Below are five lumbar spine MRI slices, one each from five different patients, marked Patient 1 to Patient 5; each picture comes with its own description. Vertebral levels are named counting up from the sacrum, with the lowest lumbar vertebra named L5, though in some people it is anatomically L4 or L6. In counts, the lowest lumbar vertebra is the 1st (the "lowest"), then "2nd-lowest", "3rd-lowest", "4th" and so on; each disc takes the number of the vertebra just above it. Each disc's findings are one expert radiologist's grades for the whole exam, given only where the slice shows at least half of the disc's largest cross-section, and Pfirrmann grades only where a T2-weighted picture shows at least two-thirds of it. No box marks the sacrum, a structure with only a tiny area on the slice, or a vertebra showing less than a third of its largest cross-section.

Patient 1 of 5:
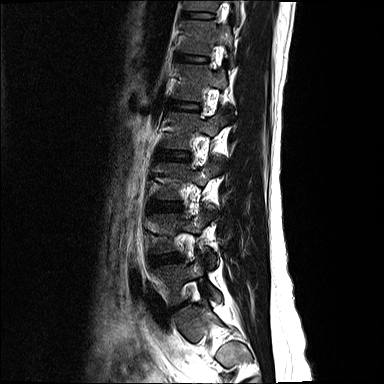 MRI lumbar spine (T2-weighted), sagittal plane. Image 384x384.
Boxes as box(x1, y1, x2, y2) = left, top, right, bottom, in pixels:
L5: box(153, 255, 221, 304)
L1 vertebra: box(175, 64, 227, 101)
L2/L3: box(161, 151, 187, 160)
L1/L2: box(171, 102, 198, 109)
T11/T12: box(186, 12, 212, 18)
T11: box(186, 0, 240, 19)
L3 vertebra: box(157, 158, 220, 199)
L2: box(164, 111, 225, 148)
L4/L5: box(151, 254, 183, 265)
L3/L4: box(151, 201, 179, 210)
T12/L1: box(179, 55, 207, 61)
L4 vertebra: box(153, 211, 216, 266)
T12: box(182, 20, 234, 59)

Degenerative findings by level:
  T11/T12: Pfirrmann grade 2
  T12/L1, L2/L3, L3/L4: no herniation, bulging, narrowing, spondylolisthesis, endplate or Modic change recorded

Patient 2 of 5:
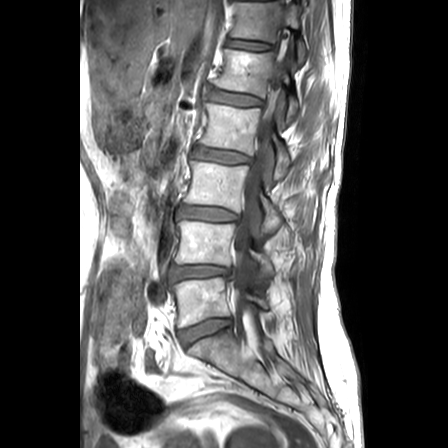 Slice 10 of 24. Sagittal T1-weighted lumbar spine MRI.
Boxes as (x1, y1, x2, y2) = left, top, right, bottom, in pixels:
3rd-lowest vertebra at (184, 161, 282, 233).
4th vertebra at (199, 98, 290, 179).
2nd-lowest disc at (170, 265, 235, 282).
2nd-lowest vertebra at (176, 221, 273, 276).
5th vertebra at (214, 36, 299, 123).
6th disc at (227, 40, 270, 50).
3rd-lowest disc at (179, 207, 237, 221).
5th disc at (209, 90, 260, 107).
Spinal canal at (234, 61, 283, 319).
Lowest disc at (179, 318, 231, 345).
Lowest vertebra at (171, 277, 268, 327).
6th vertebra at (231, 2, 305, 68).
4th disc at (193, 148, 249, 163).

Degenerative findings by level:
- 3rd-lowest disc: disc bulging, upper-endplate change, lower-endplate change
- 2nd-lowest disc: lower-endplate change, disc narrowing, disc herniation, upper-endplate change
- 4th disc: lower-endplate change, upper-endplate change, Modic type II, disc bulging
- 5th disc: Modic type II, lower-endplate change, upper-endplate change
- 6th disc: Modic type II
- lowest disc: no Modic or endplate change, herniation, narrowing, bulging or spondylolisthesis recorded

Patient 3 of 5:
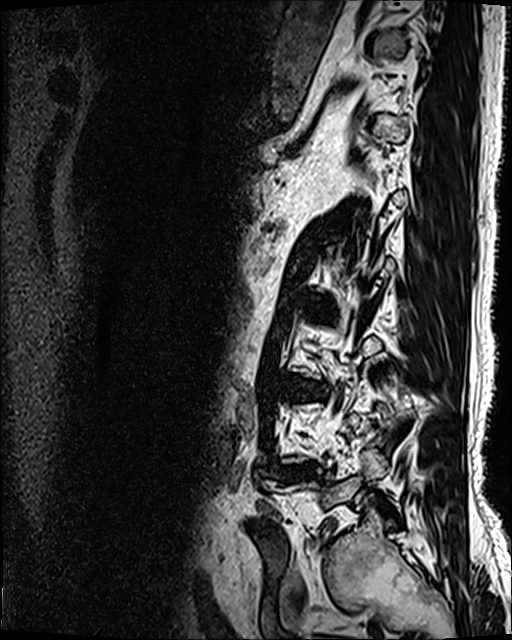 T2 SPACE (3D) sagittal MRI of the lumbar spine. Slice 31 of 120. 512x640 px.

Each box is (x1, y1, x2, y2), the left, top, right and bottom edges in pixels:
Structures:
- L3/L4 (3rd-lowest disc) at (289, 379, 325, 395)
- L4/L5 (2nd-lowest disc) at (284, 466, 313, 479)

Patient 4 of 5:
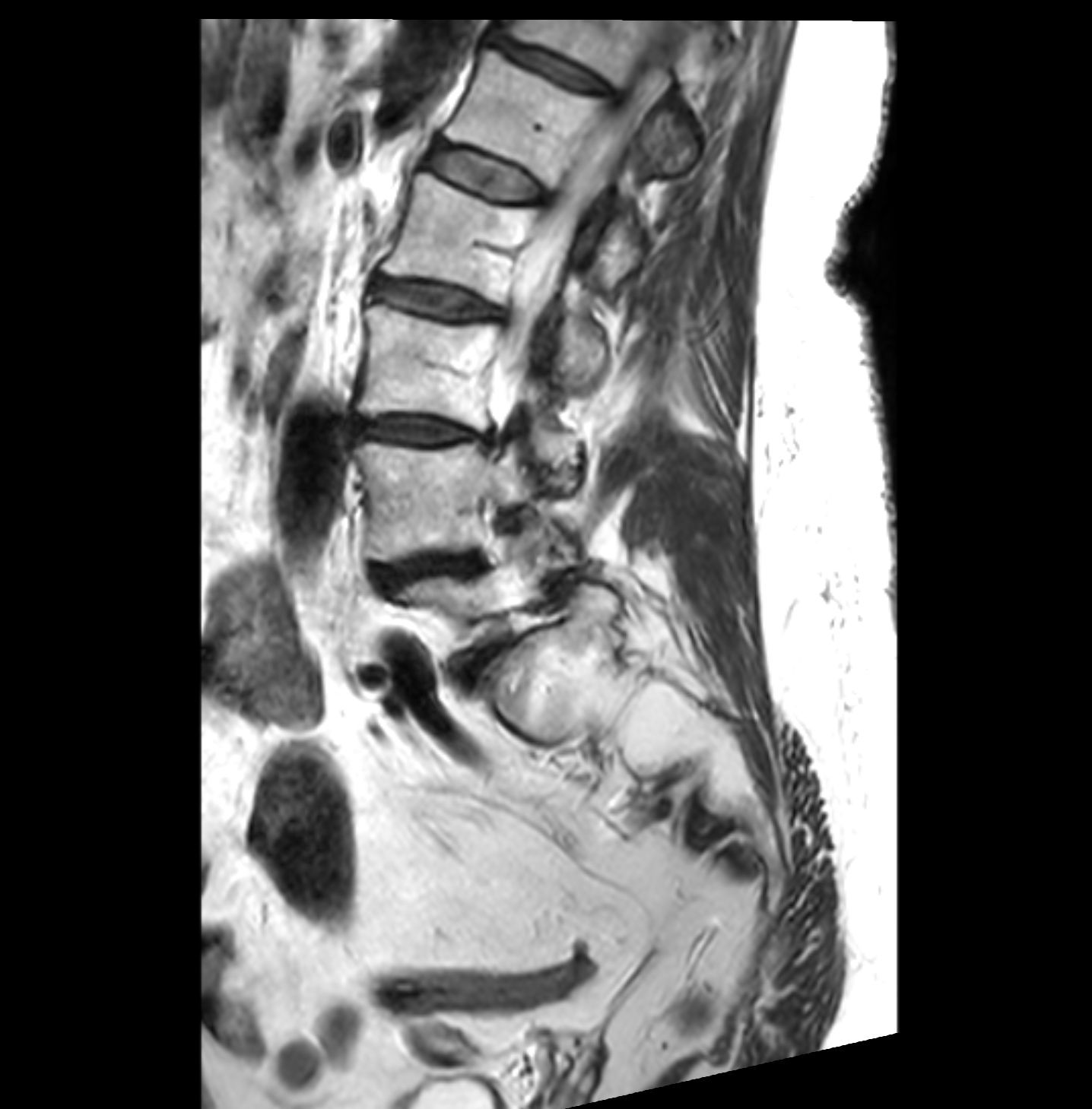

Lumbar spine MR, T2-weighted, sagittal | Sagittal slice index 24 | Image 1092x1109
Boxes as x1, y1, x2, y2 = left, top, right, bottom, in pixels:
L5 (lowest vertebra) — 389, 528, 548, 624.
Disc T12/L1 (6th disc) — 498, 40, 609, 93.
Disc L3/L4 (3rd-lowest disc) — 356, 416, 490, 445.
Disc L5/S1 (lowest disc) — 464, 648, 494, 683.
T12 (6th vertebra) — 500, 17, 697, 173.
Disc L4/L5 (2nd-lowest disc) — 374, 556, 473, 582.
L2 (4th vertebra) — 383, 173, 609, 383.
Thecal sac / spinal canal — 500, 48, 660, 373.
L1/L2 (5th disc) — 429, 142, 544, 200.
L1 (5th vertebra) — 446, 49, 644, 279.
L3 (3rd-lowest vertebra) — 356, 302, 581, 494.
L4 (2nd-lowest vertebra) — 354, 442, 575, 559.
Disc L2/L3 (4th disc) — 374, 277, 508, 321.

Per-level radiological findings:
- L1/L2 (5th disc): Pfirrmann grade 2, Modic type II
- T12/L1 (6th disc): Pfirrmann grade 3, disc bulging
- L3/L4 (3rd-lowest disc): Pfirrmann grade 3, disc narrowing, Modic type II, disc bulging
- L2/L3 (4th disc): Pfirrmann grade 3, disc bulging, Modic type II

Patient 5 of 5:
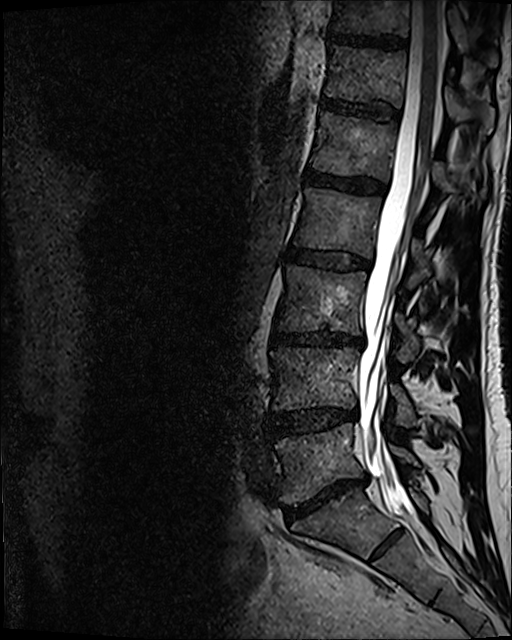

512x640 px, Sex M, Sagittal T2 SPACE (3D) lumbar spine MRI, Field of view 240x300 mm, slice spacing 0.9 mm

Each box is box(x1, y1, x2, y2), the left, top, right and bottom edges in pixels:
Structures:
- spinal canal — box(359, 1, 442, 519)
- L4 — box(272, 347, 415, 426)
- L3 vertebra — box(279, 265, 419, 363)
- intervertebral disc T12/L1 — box(322, 99, 399, 119)
- L1/L2 — box(305, 170, 386, 194)
- L2 vertebra — box(294, 187, 429, 288)
- intervertebral disc L3/L4 — box(274, 331, 363, 347)
- intervertebral disc L4/L5 — box(273, 408, 357, 436)
- L1 — box(310, 111, 486, 198)
- T11 vertebra — box(331, 0, 481, 56)
- L5 — box(275, 424, 419, 504)
- intervertebral disc T11/T12 — box(328, 33, 406, 49)
- T12 — box(324, 45, 494, 134)
- L5/S1 — box(284, 476, 366, 520)
- intervertebral disc L2/L3 — box(289, 249, 370, 269)

Expert MSK radiologist gradings (per disc):
- T12/L1: Pfirrmann grade 3
- T11/T12: Pfirrmann grade 4
- L1/L2: Pfirrmann grade 4
- L4/L5: Pfirrmann grade 3, disc narrowing, disc bulging
- L5/S1: Pfirrmann grade 5, Modic type II, disc narrowing, disc bulging
- L2/L3: Pfirrmann grade 3, disc bulging
- L3/L4: Pfirrmann grade 4, lower-endplate change, disc narrowing, disc bulging